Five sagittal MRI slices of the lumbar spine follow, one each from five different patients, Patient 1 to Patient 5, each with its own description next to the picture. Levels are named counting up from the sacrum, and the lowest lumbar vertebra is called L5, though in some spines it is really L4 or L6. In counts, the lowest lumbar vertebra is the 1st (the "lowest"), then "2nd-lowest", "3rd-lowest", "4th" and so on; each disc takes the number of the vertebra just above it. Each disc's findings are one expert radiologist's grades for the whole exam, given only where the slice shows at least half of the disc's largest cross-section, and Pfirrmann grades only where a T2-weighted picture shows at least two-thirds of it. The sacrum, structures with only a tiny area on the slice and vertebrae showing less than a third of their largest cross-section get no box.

Patient 1 of 5:
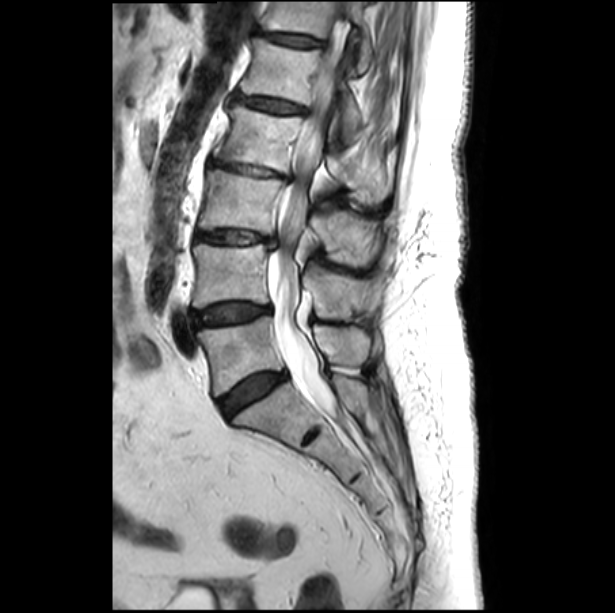

Sex F. T2-weighted sagittal MRI of the lumbar spine. Field of view 284x283 mm, slice spacing 3.3 mm.
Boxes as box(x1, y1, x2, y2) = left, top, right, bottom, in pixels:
Lowest vertebra: box(197, 316, 370, 395).
6th disc: box(260, 32, 323, 46).
2nd-lowest vertebra: box(192, 244, 376, 320).
5th vertebra: box(240, 38, 364, 138).
Spinal canal: box(268, 20, 346, 408).
5th disc: box(234, 94, 304, 113).
3rd-lowest disc: box(195, 231, 276, 246).
4th vertebra: box(214, 104, 390, 203).
3rd-lowest vertebra: box(199, 169, 377, 266).
4th disc: box(209, 159, 290, 179).
6th vertebra: box(261, 2, 373, 73).
2nd-lowest disc: box(191, 302, 271, 327).
Lowest disc: box(218, 373, 286, 417).

Expert MSK radiologist gradings (per disc):
  6th disc: Pfirrmann grade 3, upper-endplate change, disc bulging, lower-endplate change, Modic type II
  lowest disc: Pfirrmann grade 4, disc bulging
  5th disc: Pfirrmann grade 3, lower-endplate change, disc bulging, Modic type II, upper-endplate change
  4th disc: disc bulging, upper-endplate change, disc narrowing, Modic type II, lower-endplate change
  3rd-lowest disc: Pfirrmann grade 3, upper-endplate change, disc bulging, lower-endplate change, disc narrowing, Modic type II
  2nd-lowest disc: Pfirrmann grade 4, disc bulging

Patient 2 of 5:
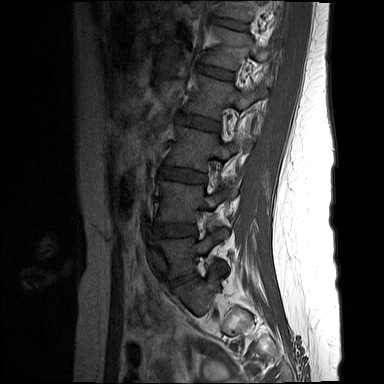
Image 384x384, Field of view 280x280 mm, Lumbar spine MR, T1-weighted, sagittal
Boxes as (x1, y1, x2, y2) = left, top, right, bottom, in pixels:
Annotations:
* L3: (167, 126, 250, 171)
* T12: (218, 1, 263, 21)
* intervertebral disc L5/S1: (169, 274, 193, 287)
* intervertebral disc L3/L4: (160, 168, 205, 182)
* L5: (156, 232, 225, 278)
* L4: (158, 180, 234, 221)
* intervertebral disc L4/L5: (156, 224, 196, 236)
* L2 vertebra: (185, 74, 267, 119)
* L1 vertebra: (205, 26, 272, 70)
* intervertebral disc L2/L3: (178, 115, 219, 130)
* T12/L1: (215, 19, 247, 29)
* L1/L2: (202, 66, 233, 78)

Degenerative findings by level:
  T12/L1, L4/L5, L2/L3, L1/L2, L3/L4: no spondylolisthesis, narrowing, bulging, herniation, Modic or endplate change recorded

Patient 3 of 5:
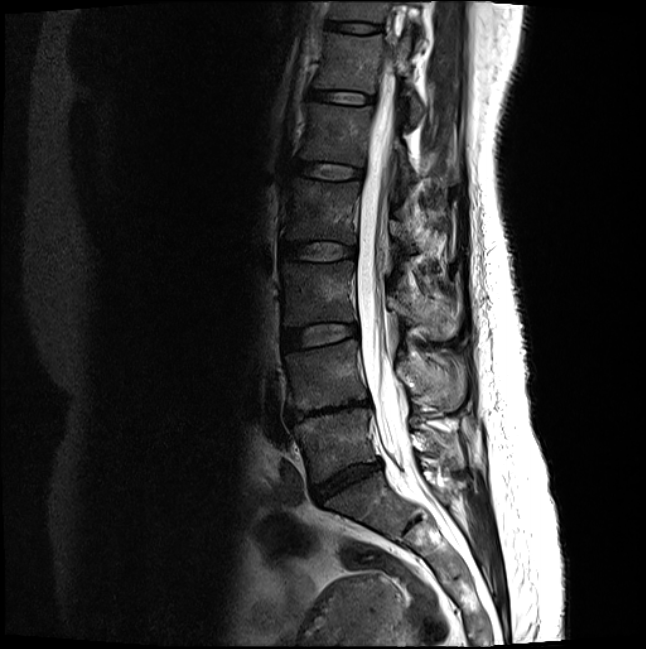

Image 646x649; Lumbar spine MR, T2-weighted, sagittal

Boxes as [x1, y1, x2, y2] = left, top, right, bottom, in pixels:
5th vertebra: [299, 102, 457, 187].
4th vertebra: [284, 177, 414, 252].
6th vertebra: [315, 32, 424, 122].
Lowest vertebra: [293, 407, 454, 481].
3rd-lowest vertebra: [281, 260, 457, 339].
7th disc: [327, 21, 380, 32].
5th disc: [290, 160, 363, 179].
6th disc: [309, 89, 374, 103].
3rd-lowest disc: [282, 323, 357, 348].
Thecal sac / spinal canal: [357, 88, 414, 472].
2nd-lowest vertebra: [285, 340, 464, 410].
Lowest disc: [311, 460, 381, 502].
7th vertebra: [330, 0, 391, 21].
2nd-lowest disc: [286, 398, 369, 421].
4th disc: [281, 242, 356, 259].

Expert MSK radiologist gradings (per disc):
- 6th disc: Pfirrmann grade 2
- 2nd-lowest disc: Pfirrmann grade 5, lower-endplate change, Modic type II, upper-endplate change, disc narrowing, disc bulging
- 5th disc: Pfirrmann grade 2
- 7th disc: Pfirrmann grade 2
- 3rd-lowest disc: Pfirrmann grade 2
- 4th disc: Pfirrmann grade 2
- lowest disc: Pfirrmann grade 4, disc bulging, disc narrowing

Patient 4 of 5:
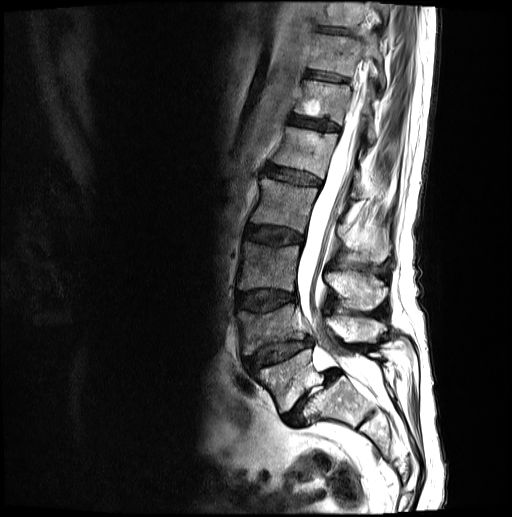 Image 512x517 | Lumbar spine MR, T2-weighted, sagittal
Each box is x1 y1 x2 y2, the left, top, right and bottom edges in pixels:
T11 (7th vertebra) at 307 34 385 88, T10 (8th vertebra) at 318 1 388 29, IVD L1/L2 (5th disc) at 265 165 320 185, IVD L5/S1 (lowest disc) at 283 369 338 426, T12 (6th vertebra) at 294 81 375 144, spinal canal at 296 58 372 384, IVD L4/L5 (2nd-lowest disc) at 242 339 311 368, L1 (5th vertebra) at 272 127 365 199, L2/L3 (4th disc) at 245 225 302 245, IVD L3/L4 (3rd-lowest disc) at 235 290 296 311, L4 (2nd-lowest vertebra) at 236 304 374 355, T11/T12 (7th disc) at 304 70 348 82, L5 (lowest vertebra) at 249 349 384 413, L3 (3rd-lowest vertebra) at 236 242 387 308, IVD T12/L1 (6th disc) at 288 116 339 131, IVD T10/T11 (8th disc) at 316 26 354 35, L2 (4th vertebra) at 250 179 391 262.

Expert MSK radiologist gradings (per disc):
  L2/L3 (4th disc): Pfirrmann grade 3, disc bulging
  L5/S1 (lowest disc): Pfirrmann grade 5, disc narrowing, disc herniation, Modic type II, spondylolisthesis
  T12/L1 (6th disc): Pfirrmann grade 3
  L1/L2 (5th disc): Pfirrmann grade 3
  L4/L5 (2nd-lowest disc): Pfirrmann grade 3, spondylolisthesis, disc narrowing, upper-endplate change, disc herniation, lower-endplate change
  L3/L4 (3rd-lowest disc): Pfirrmann grade 3, upper-endplate change, lower-endplate change, disc bulging
  T10/T11 (8th disc), T11/T12 (7th disc): no spondylolisthesis, narrowing, bulging, herniation, Modic or endplate change recorded

Patient 5 of 5:
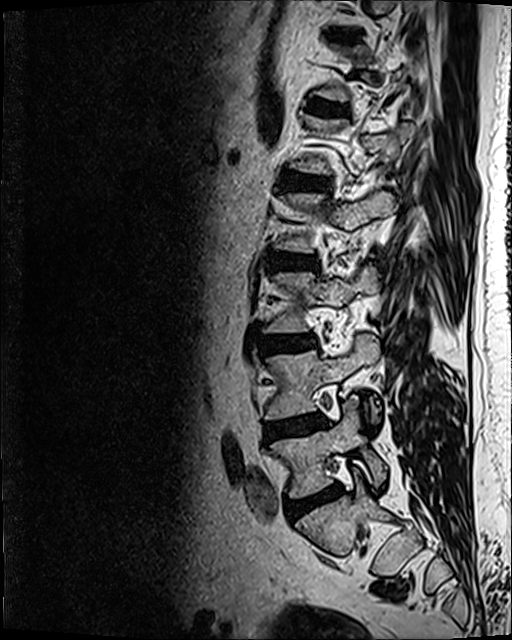

Sagittal T2 SPACE (3D) lumbar spine MRI | Slice 37 of 120
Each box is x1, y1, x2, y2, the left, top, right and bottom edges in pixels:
IVD L5/S1 at 288, 486, 342, 519; L5 at 271, 395, 386, 497; IVD T12/L1 at 304, 99, 343, 113; IVD L3/L4 at 257, 336, 313, 352; IVD L2/L3 at 270, 255, 315, 268; IVD L1/L2 at 281, 172, 330, 191; L4/L5 at 266, 413, 326, 440; L3 at 264, 265, 378, 333; L4 vertebra at 263, 334, 379, 421.

Per-level radiological findings:
  L4/L5: disc bulging, Modic type II
  L1/L2: disc bulging
  L3/L4: Modic type II, disc bulging